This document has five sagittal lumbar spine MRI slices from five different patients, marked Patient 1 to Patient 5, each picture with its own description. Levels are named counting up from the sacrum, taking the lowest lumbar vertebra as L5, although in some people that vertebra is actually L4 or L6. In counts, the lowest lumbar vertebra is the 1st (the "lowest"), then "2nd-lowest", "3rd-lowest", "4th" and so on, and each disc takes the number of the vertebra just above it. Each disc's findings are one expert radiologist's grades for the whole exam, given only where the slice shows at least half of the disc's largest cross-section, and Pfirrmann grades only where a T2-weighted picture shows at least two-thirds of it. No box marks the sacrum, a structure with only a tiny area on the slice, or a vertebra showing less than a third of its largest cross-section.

Patient 1 of 5:
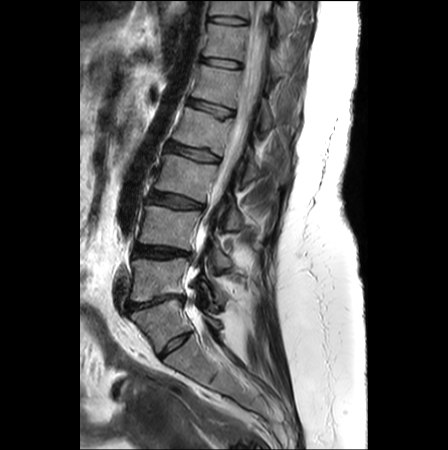

Patient sex: F; Image 448x450; MRI lumbar spine (T2-weighted), sagittal plane; Slice spacing 3.3 mm

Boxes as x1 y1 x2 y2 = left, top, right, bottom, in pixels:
L3/L4 — 150 191 202 207.
T12 vertebra — 204 23 285 78.
L3 vertebra — 155 154 242 229.
L2 — 173 107 289 182.
L1 — 192 64 298 130.
L5 vertebra — 130 257 224 301.
L2/L3 — 168 142 218 162.
Disc L5/S1 — 126 294 183 311.
L4 vertebra — 139 205 232 268.
T11 — 210 1 291 32.
T11/T12 — 210 16 246 23.
Spinal canal — 191 1 270 313.
Disc T12/L1 — 203 58 241 68.
L1/L2 — 189 99 233 116.
Disc L4/L5 — 134 245 189 258.

Per-level radiological findings:
  L1/L2: Pfirrmann grade 2, upper-endplate change, lower-endplate change
  L2/L3: Pfirrmann grade 2, lower-endplate change, upper-endplate change
  L3/L4: Pfirrmann grade 3, Modic type II, disc bulging
  T12/L1: Pfirrmann grade 1
  L5/S1: Pfirrmann grade 5, disc bulging, disc narrowing, spondylolisthesis, Modic type II
  L4/L5: Pfirrmann grade 4, disc herniation, disc bulging
  T11/T12: Pfirrmann grade 1

Patient 2 of 5:
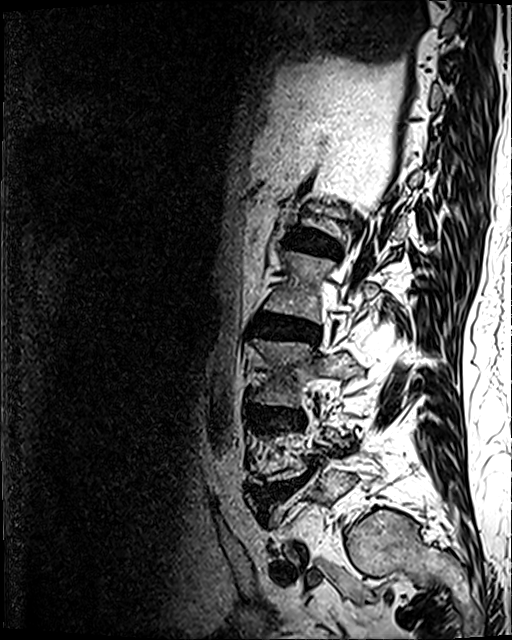 T2 SPACE (3D) sagittal MRI of the lumbar spine. 512x640 px. Slice 31/120.
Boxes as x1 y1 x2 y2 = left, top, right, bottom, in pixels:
Intervertebral disc L3/L4 at 265 409 301 426, intervertebral disc L1/L2 at 298 230 334 253, L2/L3 at 253 314 318 341, intervertebral disc L4/L5 at 257 481 295 506.

Degenerative findings by level:
- L2/L3: Pfirrmann grade 4, disc narrowing, upper-endplate change, disc bulging, lower-endplate change, Modic type II

Patient 3 of 5:
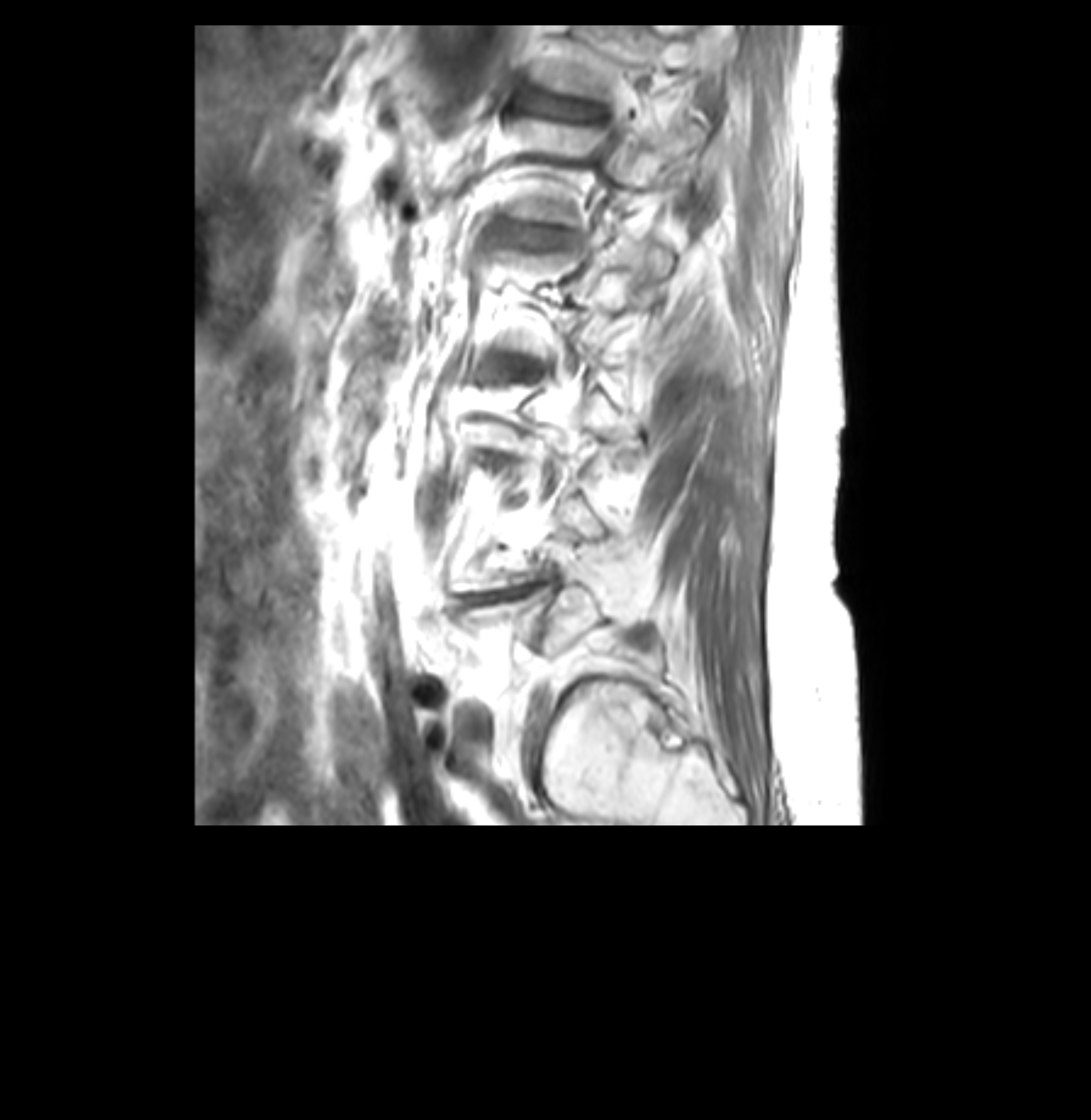 Lumbar spine MR, T1-weighted, sagittal, Image 1091x1120, Patient sex: F
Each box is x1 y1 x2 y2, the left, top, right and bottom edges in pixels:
Segmented structures:
* L4/L5 (2nd-lowest disc) — 463 588 535 604
* T12/L1 (6th disc) — 533 96 594 118
* L1/L2 (5th disc) — 509 229 555 244
* T12 (6th vertebra) — 533 25 706 100
* L1 (5th vertebra) — 511 120 706 223

Patient 4 of 5:
SIEMENS Avanto_fit (1.5T), Slice 12 of 17, MRI lumbar spine (T1-weighted), sagittal plane

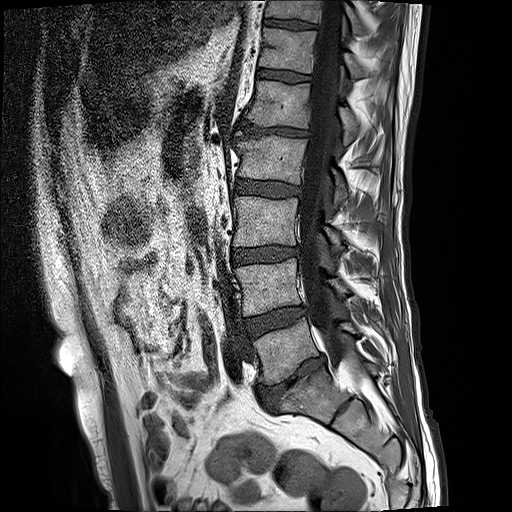 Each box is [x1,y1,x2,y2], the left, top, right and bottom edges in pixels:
T11 vertebra: [266,0,358,30].
Disc L4/L5: [245,306,305,337].
Disc L5/S1: [257,355,325,408].
Disc L1/L2: [242,121,309,137].
T11/T12: [265,20,315,29].
T12 vertebra: [260,29,361,77].
L3 vertebra: [234,197,343,253].
L1: [246,81,356,145].
Disc L3/L4: [233,246,300,265].
L2 vertebra: [236,136,346,209].
L4 vertebra: [236,258,346,315].
Disc T12/L1: [258,68,310,81].
L5: [254,318,355,385].
Spinal canal: [298,0,353,369].
L2/L3: [234,178,301,197].

Degenerative findings by level:
- L3/L4: upper-endplate change, lower-endplate change, disc bulging
- T11/T12: lower-endplate change, upper-endplate change
- L4/L5: Modic type II
- L5/S1: disc narrowing, Modic type II, lower-endplate change, disc bulging, upper-endplate change
- L1/L2: lower-endplate change, disc bulging, upper-endplate change, disc narrowing, Modic type II
- T12/L1, L2/L3: no herniation, bulging, narrowing, spondylolisthesis, endplate or Modic change recorded

Patient 5 of 5:
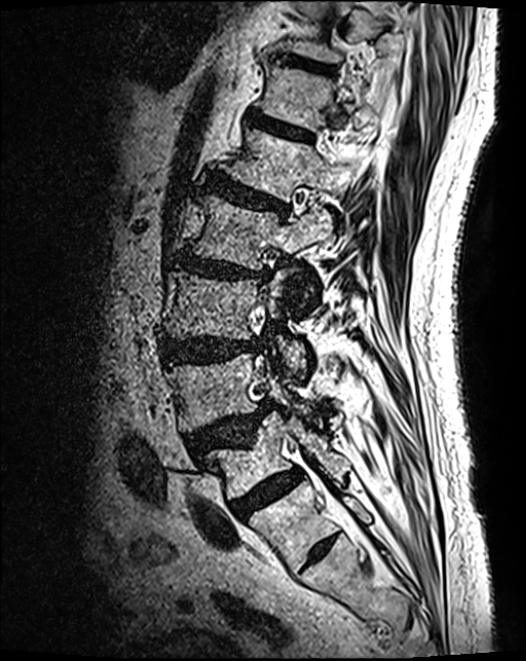
Slice spacing 0.9 mm | MRI lumbar spine (T2 SPACE (3D)), sagittal plane | Sagittal slice index 45

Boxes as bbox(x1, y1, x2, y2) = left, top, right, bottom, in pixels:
4th vertebra at bbox(188, 195, 334, 312); 6th disc at bbox(248, 115, 311, 141); 5th disc at bbox(207, 176, 287, 214); 5th vertebra at bbox(224, 130, 357, 200); 3rd-lowest disc at bbox(161, 339, 259, 363); 4th disc at bbox(174, 254, 270, 283); 2nd-lowest vertebra at bbox(166, 356, 314, 432); lowest vertebra at bbox(202, 415, 345, 500); lowest disc at bbox(231, 470, 302, 518); 7th disc at bbox(288, 58, 334, 73); 3rd-lowest vertebra at bbox(162, 273, 305, 372); 2nd-lowest disc at bbox(186, 402, 272, 458); 6th vertebra at bbox(260, 66, 375, 132).

Degenerative findings by level:
• lowest disc: Pfirrmann grade 4
• 7th disc: lower-endplate change
• 4th disc: Pfirrmann grade 4, upper-endplate change, disc bulging, lower-endplate change, disc narrowing
• 3rd-lowest disc: Pfirrmann grade 4, disc bulging
• 2nd-lowest disc: Pfirrmann grade 4, spondylolisthesis, upper-endplate change, disc herniation
• 5th disc: Pfirrmann grade 4, lower-endplate change, disc bulging, upper-endplate change
• 6th disc: Pfirrmann grade 3